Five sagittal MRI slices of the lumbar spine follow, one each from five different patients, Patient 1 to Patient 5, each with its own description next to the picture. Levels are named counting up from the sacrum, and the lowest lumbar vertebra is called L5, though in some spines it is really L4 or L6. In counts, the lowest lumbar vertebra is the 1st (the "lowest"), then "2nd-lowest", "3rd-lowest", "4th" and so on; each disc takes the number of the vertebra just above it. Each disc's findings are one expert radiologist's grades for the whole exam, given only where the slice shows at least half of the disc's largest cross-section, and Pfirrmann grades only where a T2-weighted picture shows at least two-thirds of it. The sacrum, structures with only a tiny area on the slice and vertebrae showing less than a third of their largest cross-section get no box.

Patient 1 of 5:
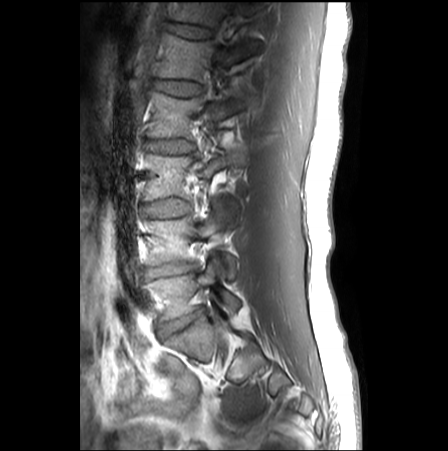
Field of view 280x282 mm. Sex M. Slice 8 of 27. 448x451 px. Sagittal T1-weighted lumbar spine MRI.

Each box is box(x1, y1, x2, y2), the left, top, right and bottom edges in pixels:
Annotations:
- intervertebral disc L1/L2 = box(155, 81, 198, 95)
- T12 = box(172, 2, 260, 27)
- L4 vertebra = box(145, 208, 237, 278)
- L4/L5 = box(146, 265, 192, 276)
- intervertebral disc L2/L3 = box(148, 140, 191, 153)
- L3 vertebra = box(144, 153, 238, 211)
- L2 vertebra = box(151, 92, 245, 138)
- L5/S1 = box(161, 309, 203, 334)
- intervertebral disc T12/L1 = box(170, 24, 210, 38)
- L5 = box(147, 260, 240, 319)
- L3/L4 = box(144, 199, 188, 217)
- L1 vertebra = box(154, 35, 257, 81)

Degenerative findings by level:
- T12/L1: lower-endplate change
- L1/L2, L3/L4, L2/L3: no herniation, bulging, narrowing, spondylolisthesis, endplate or Modic change recorded

Patient 2 of 5:
T2 SPACE (3D) sagittal MRI of the lumbar spine; Field of view 240x300 mm, slice spacing 0.9 mm; Slice 28/120
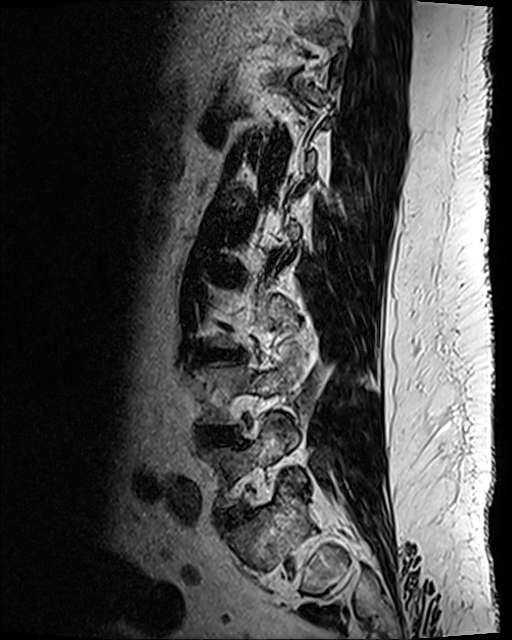 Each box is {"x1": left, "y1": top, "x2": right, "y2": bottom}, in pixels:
* L5 vertebra = {"x1": 211, "y1": 417, "x2": 303, "y2": 506}
* L5/S1 = {"x1": 220, "y1": 510, "x2": 240, "y2": 520}
* disc L4/L5 = {"x1": 203, "y1": 426, "x2": 226, "y2": 437}
* disc L3/L4 = {"x1": 214, "y1": 352, "x2": 239, "y2": 360}

Patient 3 of 5:
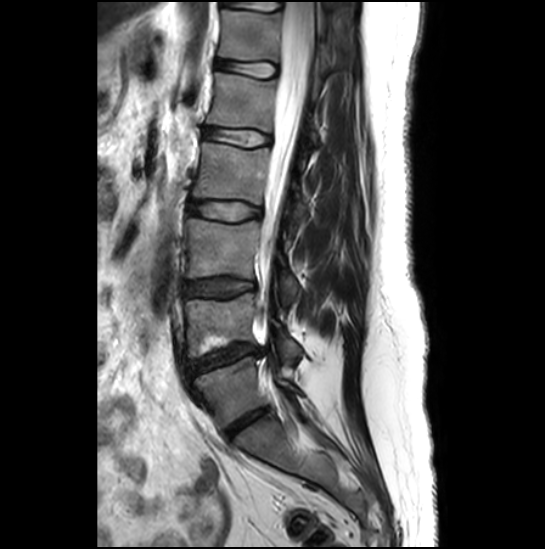 Image 545x549; Patient sex: F; T2-weighted sagittal MRI of the lumbar spine; Sagittal slice index 15
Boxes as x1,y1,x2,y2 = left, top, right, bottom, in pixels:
Annotations:
• disc L4/L5 at 189,345,259,373
• L1 at 207,72,319,145
• L3/L4 at 186,278,253,297
• spinal canal at 263,0,314,255
• disc L1/L2 at 203,127,270,146
• disc T12/L1 at 217,59,276,77
• L3 vertebra at 187,220,297,306
• T12 at 218,9,330,77
• L5 vertebra at 193,357,299,427
• L4 at 185,293,302,363
• disc L5/S1 at 226,409,267,437
• L2 at 192,142,309,236
• disc L2/L3 at 190,201,259,220

Expert MSK radiologist gradings (per disc):
• L1/L2: Pfirrmann grade 1
• L4/L5: Pfirrmann grade 1, disc narrowing, lower-endplate change, upper-endplate change, Modic type II, disc herniation
• L2/L3: Pfirrmann grade 4
• T12/L1: Pfirrmann grade 1
• L5/S1: disc narrowing
• L3/L4: Pfirrmann grade 2

Patient 4 of 5:
Lumbar spine MR, T2 SPACE (3D), sagittal | SIEMENS Avanto_fit (1.5T)
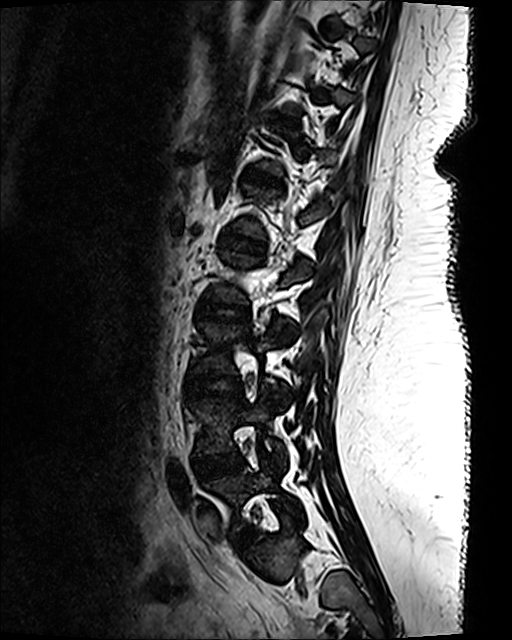

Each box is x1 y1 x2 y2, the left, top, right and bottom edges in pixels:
L5 (lowest vertebra) at 207 459 298 527, L3 (3rd-lowest vertebra) at 196 322 293 401, disc L5/S1 (lowest disc) at 238 535 248 542, disc L4/L5 (2nd-lowest disc) at 194 452 241 478, L3/L4 (3rd-lowest disc) at 189 374 240 395, disc L2/L3 (4th disc) at 202 303 245 319, L4 (2nd-lowest vertebra) at 193 388 283 465.

Radiological gradings:
  L3/L4 (3rd-lowest disc): Pfirrmann grade 1
  L4/L5 (2nd-lowest disc), L2/L3 (4th disc): no spondylolisthesis, narrowing, bulging, herniation, Modic or endplate change recorded

Patient 5 of 5:
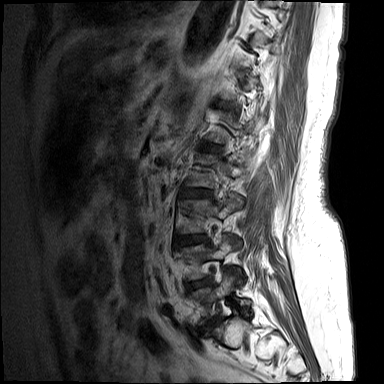 384x384 px | Slice 12/15 | MRI lumbar spine (T1-weighted), sagittal plane
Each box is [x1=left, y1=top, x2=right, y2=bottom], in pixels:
Intervertebral disc L2/L3 (4th disc): [x1=181, y1=188, x2=211, y2=196].
L3 (3rd-lowest vertebra): [x1=180, y1=195, x2=244, y2=233].
L3/L4 (3rd-lowest disc): [x1=175, y1=234, x2=208, y2=246].
L5 (lowest vertebra): [x1=191, y1=272, x2=251, y2=324].
L2 (4th vertebra): [x1=187, y1=151, x2=256, y2=187].
Intervertebral disc L4/L5 (2nd-lowest disc): [x1=186, y1=278, x2=211, y2=290].
L1/L2 (5th disc): [x1=201, y1=143, x2=220, y2=151].
L4 (2nd-lowest vertebra): [x1=183, y1=234, x2=244, y2=280].
L5/S1 (lowest disc): [x1=201, y1=317, x2=220, y2=331].

Degenerative findings by level:
  L2/L3 (4th disc): Modic type II, disc bulging
  L5/S1 (lowest disc): disc bulging, Modic type II, disc narrowing
  L4/L5 (2nd-lowest disc): disc bulging, disc narrowing
  L3/L4 (3rd-lowest disc): disc bulging, disc narrowing